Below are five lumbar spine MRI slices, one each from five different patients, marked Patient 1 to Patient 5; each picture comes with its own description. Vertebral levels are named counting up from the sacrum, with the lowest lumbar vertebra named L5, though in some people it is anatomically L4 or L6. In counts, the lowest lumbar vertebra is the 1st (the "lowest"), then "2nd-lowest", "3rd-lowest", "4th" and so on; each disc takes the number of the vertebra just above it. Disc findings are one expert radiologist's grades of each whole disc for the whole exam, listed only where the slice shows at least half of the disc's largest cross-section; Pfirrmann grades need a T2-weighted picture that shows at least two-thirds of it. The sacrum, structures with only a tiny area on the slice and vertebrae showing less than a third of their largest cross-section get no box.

Patient 1 of 5:
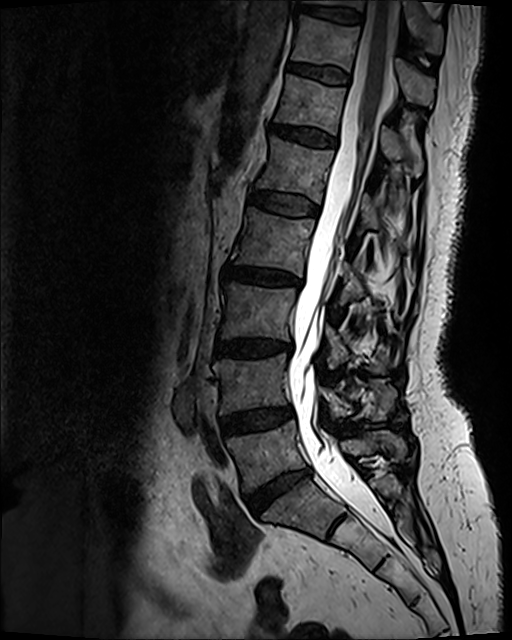

Sagittal T2 SPACE (3D) lumbar spine MRI, Sagittal slice index 63

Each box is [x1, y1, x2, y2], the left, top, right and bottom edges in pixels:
T10 (8th vertebra) — [302, 0, 444, 50].
Disc L4/L5 (2nd-lowest disc) — [222, 407, 291, 433].
T11 (7th vertebra) — [291, 16, 434, 105].
T10/T11 (8th disc) — [295, 6, 361, 23].
L1/L2 (5th disc) — [250, 190, 317, 215].
L2 (4th vertebra) — [231, 208, 363, 303].
Thecal sac / spinal canal — [288, 1, 394, 536].
L1 (5th vertebra) — [257, 137, 378, 229].
Disc T11/T12 (7th disc) — [289, 63, 348, 83].
L3 (3rd-lowest vertebra) — [221, 281, 388, 372].
L5/S1 (lowest disc) — [247, 470, 310, 514].
L2/L3 (4th disc) — [222, 263, 300, 284].
Disc T12/L1 (6th disc) — [269, 124, 335, 146].
L5 (lowest vertebra) — [227, 421, 407, 491].
Disc L3/L4 (3rd-lowest disc) — [214, 339, 290, 354].
T12 (6th vertebra) — [275, 74, 423, 176].
L4 (2nd-lowest vertebra) — [213, 353, 396, 421].

Radiological gradings:
• L2/L3 (4th disc): Pfirrmann grade 4, disc bulging, Modic type II, upper-endplate change, disc narrowing, lower-endplate change
• T10/T11 (8th disc): Pfirrmann grade 2
• L4/L5 (2nd-lowest disc): Pfirrmann grade 3, disc bulging
• L1/L2 (5th disc): Pfirrmann grade 2
• L5/S1 (lowest disc): Pfirrmann grade 4, disc narrowing, disc bulging
• L3/L4 (3rd-lowest disc): Pfirrmann grade 4, lower-endplate change, Modic type II, upper-endplate change, disc narrowing, disc bulging
• T12/L1 (6th disc): Pfirrmann grade 3, disc bulging
• T11/T12 (7th disc): Pfirrmann grade 2

Patient 2 of 5:
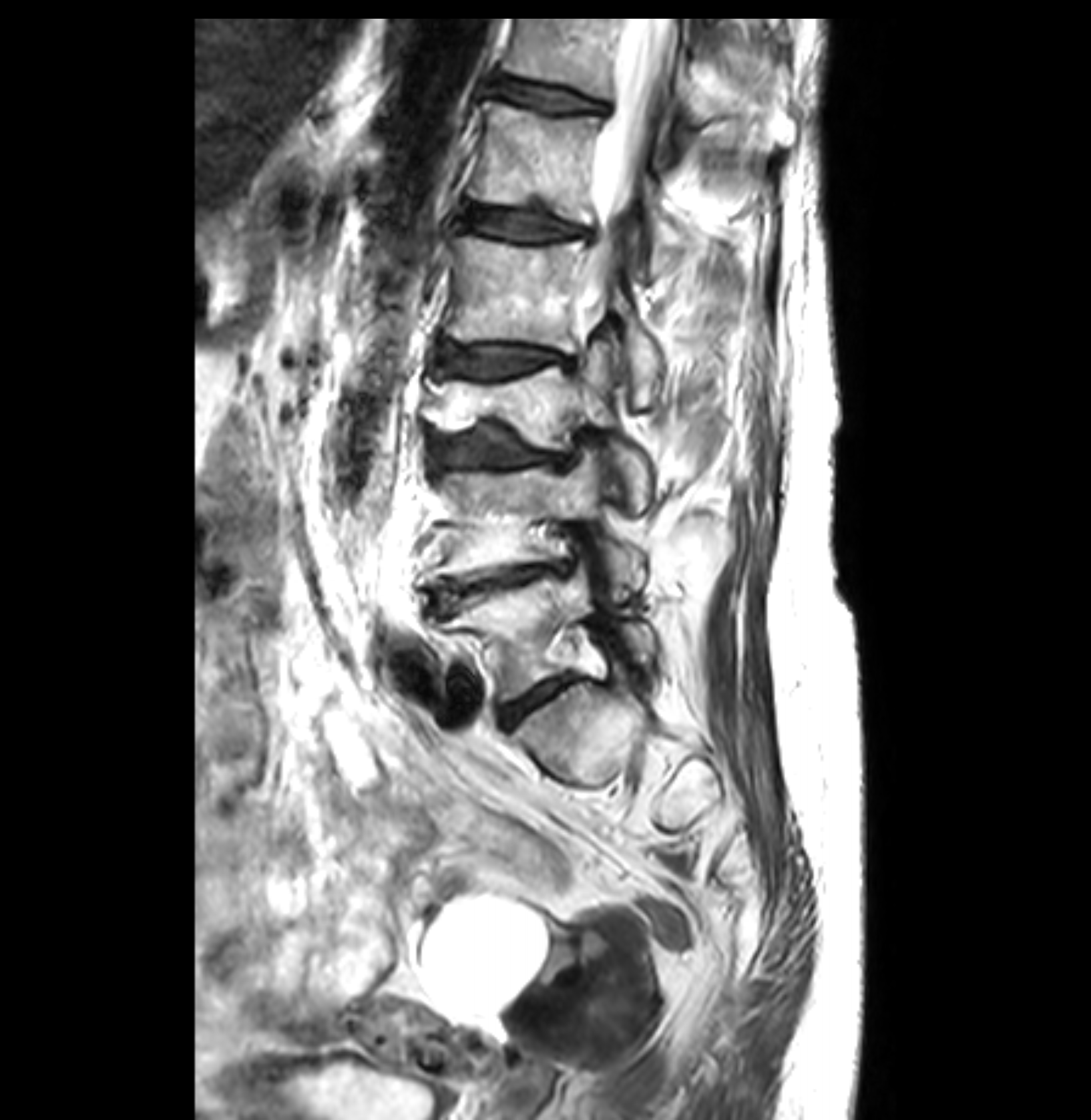 Slice 23 of 35; T2-weighted sagittal MRI of the lumbar spine
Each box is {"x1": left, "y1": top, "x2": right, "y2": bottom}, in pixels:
{"IVD L4/L5 (2nd-lowest disc)": {"x1": 429, "y1": 566, "x2": 548, "y2": 611}, "L2 (4th vertebra)": {"x1": 446, "y1": 236, "x2": 664, "y2": 401}, "IVD T12/L1 (6th disc)": {"x1": 487, "y1": 73, "x2": 611, "y2": 116}, "L3 (3rd-lowest vertebra)": {"x1": 421, "y1": 341, "x2": 650, "y2": 509}, "spinal canal": {"x1": 580, "y1": 18, "x2": 676, "y2": 310}, "T12 (6th vertebra)": {"x1": 501, "y1": 18, "x2": 796, "y2": 151}, "IVD L1/L2 (5th disc)": {"x1": 463, "y1": 205, "x2": 596, "y2": 240}, "IVD L2/L3 (4th disc)": {"x1": 429, "y1": 343, "x2": 577, "y2": 378}, "L5/S1 (lowest disc)": {"x1": 499, "y1": 678, "x2": 567, "y2": 723}, "L4 (2nd-lowest vertebra)": {"x1": 426, "y1": 451, "x2": 645, "y2": 599}, "L5 (lowest vertebra)": {"x1": 431, "y1": 564, "x2": 657, "y2": 701}, "L1 (5th vertebra)": {"x1": 470, "y1": 100, "x2": 686, "y2": 274}, "IVD L3/L4 (3rd-lowest disc)": {"x1": 429, "y1": 423, "x2": 570, "y2": 467}}

Expert MSK radiologist gradings (per disc):
• L2/L3 (4th disc): Pfirrmann grade 3, Modic type II, disc bulging
• T12/L1 (6th disc): Pfirrmann grade 3, upper-endplate change, disc bulging
• L1/L2 (5th disc): Pfirrmann grade 3, upper-endplate change, lower-endplate change
• L3/L4 (3rd-lowest disc): Pfirrmann grade 3, disc narrowing, upper-endplate change, Modic type II, disc bulging

Patient 3 of 5:
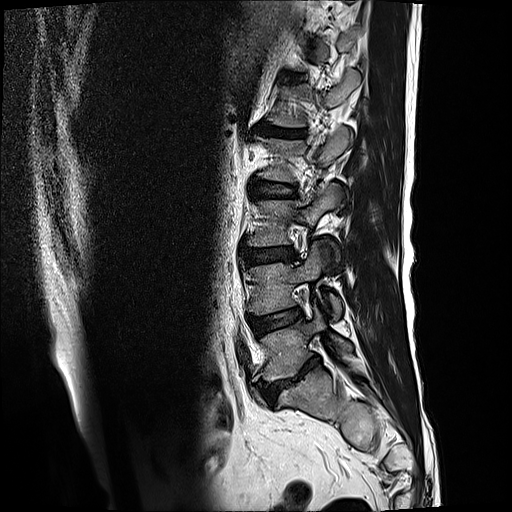
Lumbar spine MR, T2-weighted, sagittal
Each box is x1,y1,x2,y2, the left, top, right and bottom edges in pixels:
2nd-lowest disc: 251,308,301,333.
4th vertebra: 258,126,352,181.
2nd-lowest vertebra: 247,241,341,317.
Lowest vertebra: 260,306,352,381.
Lowest disc: 261,357,319,401.
3rd-lowest disc: 242,247,296,265.
4th disc: 252,179,295,197.
5th disc: 259,125,304,137.
3rd-lowest vertebra: 247,182,341,246.

Radiological gradings:
• 2nd-lowest disc: Modic type II
• lowest disc: disc narrowing, Modic type II, lower-endplate change, upper-endplate change, disc bulging
• 5th disc: Modic type II, lower-endplate change, upper-endplate change, disc bulging, disc narrowing
• 3rd-lowest disc: Pfirrmann grade 3, disc bulging, upper-endplate change, lower-endplate change
• 4th disc: no Modic or endplate change, herniation, narrowing, bulging or spondylolisthesis recorded

Patient 4 of 5:
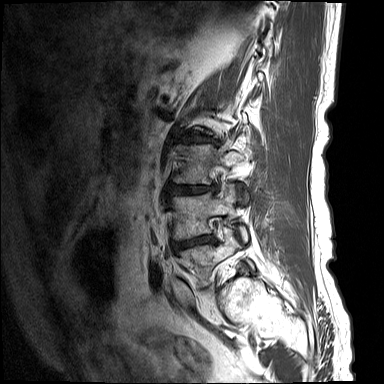 Lumbar spine MR, T1-weighted, sagittal | Slice spacing 4.4 mm | Slice 14/15
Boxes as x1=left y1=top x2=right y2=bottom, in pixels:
{"2nd-lowest disc": "x1=173 y1=235 x2=214 y2=251", "3rd-lowest disc": "x1=169 y1=186 x2=219 y2=195", "lowest vertebra": "x1=178 y1=226 x2=253 y2=286", "2nd-lowest vertebra": "x1=172 y1=184 x2=248 y2=242", "4th disc": "x1=191 y1=136 x2=208 y2=141", "3rd-lowest vertebra": "x1=173 y1=144 x2=247 y2=201"}

Expert MSK radiologist gradings (per disc):
  2nd-lowest disc: disc narrowing, upper-endplate change, Modic type I, disc bulging, lower-endplate change
  3rd-lowest disc: upper-endplate change, lower-endplate change, Modic type II, disc bulging, disc narrowing, disc herniation

Patient 5 of 5:
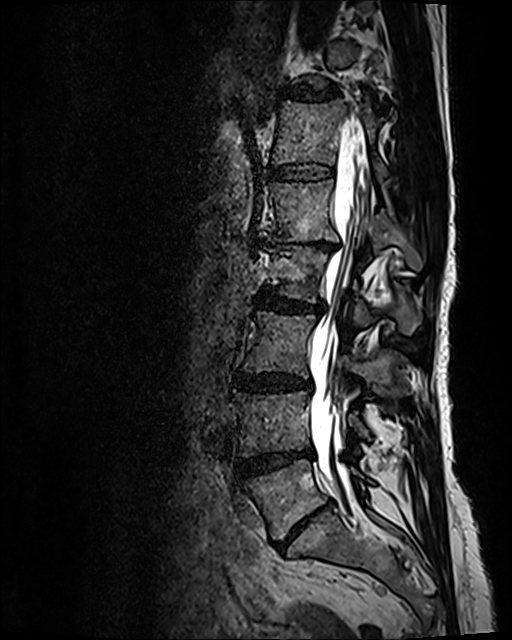
MRI lumbar spine (T2 SPACE (3D)), sagittal plane | Slice 62 of 120

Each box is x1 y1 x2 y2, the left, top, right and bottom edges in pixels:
L4 vertebra at 234 391 369 458, T12/L1 at 268 163 333 180, L4/L5 at 236 451 312 476, L3 at 244 311 406 395, intervertebral disc L3/L4 at 235 373 310 391, L1/L2 at 263 238 339 250, T11/T12 at 280 86 343 100, L2 vertebra at 268 248 421 334, intervertebral disc L2/L3 at 258 289 322 312, spinal canal at 308 121 369 491, intervertebral disc L5/S1 at 277 503 330 548, L1 vertebra at 259 179 423 271, T12 vertebra at 273 100 387 178, L5 vertebra at 241 458 363 539.

Radiological gradings:
  L4/L5: Pfirrmann grade 4, disc narrowing, disc bulging, Modic type II
  L1/L2: Pfirrmann grade 5, disc bulging, upper-endplate change, lower-endplate change, disc narrowing, Modic type II
  L3/L4: Pfirrmann grade 3, disc bulging
  T11/T12: Pfirrmann grade 3, disc bulging, disc narrowing
  L2/L3: disc narrowing, disc bulging
  T12/L1: Pfirrmann grade 2